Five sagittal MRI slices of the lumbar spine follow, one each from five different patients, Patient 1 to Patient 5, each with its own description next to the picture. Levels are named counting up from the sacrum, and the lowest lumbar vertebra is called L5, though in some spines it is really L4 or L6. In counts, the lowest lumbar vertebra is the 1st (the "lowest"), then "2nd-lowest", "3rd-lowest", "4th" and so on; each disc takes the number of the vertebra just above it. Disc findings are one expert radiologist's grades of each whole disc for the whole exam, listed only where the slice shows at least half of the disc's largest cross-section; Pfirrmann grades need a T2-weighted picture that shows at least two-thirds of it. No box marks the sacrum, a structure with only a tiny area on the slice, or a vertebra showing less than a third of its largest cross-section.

Patient 1 of 5:
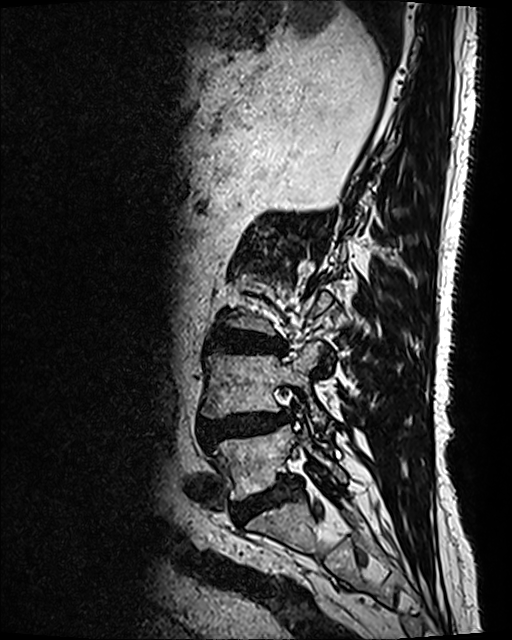 Sagittal T2 SPACE (3D) lumbar spine MRI. Slice 41 of 120.
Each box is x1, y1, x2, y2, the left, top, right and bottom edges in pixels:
L4 vertebra: 202, 345, 326, 426.
L5: 216, 425, 346, 498.
L3/L4: 207, 329, 286, 353.
Disc L5/S1: 240, 478, 300, 518.
L4/L5: 199, 412, 285, 447.

Per-level radiological findings:
• L3/L4: Pfirrmann grade 4, disc bulging, upper-endplate change, lower-endplate change
• L4/L5: Pfirrmann grade 4, upper-endplate change, lower-endplate change, disc narrowing, disc bulging, spondylolisthesis, disc herniation, Modic type II
• L5/S1: no herniation, bulging, narrowing, spondylolisthesis, endplate or Modic change recorded

Patient 2 of 5:
Lumbar spine MR, T1-weighted, sagittal, Slice 9/18 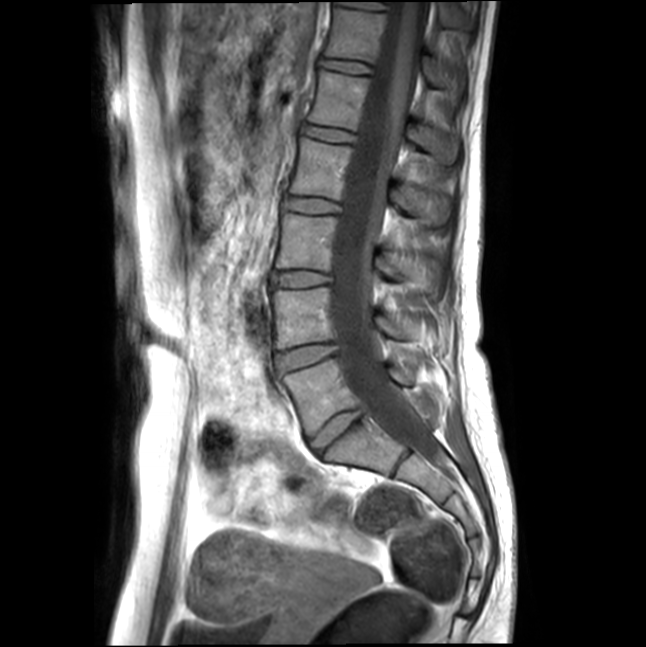 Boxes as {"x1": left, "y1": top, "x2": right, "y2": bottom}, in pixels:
T12/L1 at {"x1": 320, "y1": 58, "x2": 373, "y2": 74}, L4/L5 at {"x1": 276, "y1": 343, "x2": 337, "y2": 370}, L3/L4 at {"x1": 272, "y1": 270, "x2": 330, "y2": 287}, L4 at {"x1": 272, "y1": 287, "x2": 416, "y2": 349}, L3 at {"x1": 277, "y1": 213, "x2": 436, "y2": 292}, T12 at {"x1": 325, "y1": 7, "x2": 446, "y2": 86}, L5 at {"x1": 283, "y1": 359, "x2": 407, "y2": 436}, intervertebral disc L2/L3 at {"x1": 284, "y1": 197, "x2": 341, "y2": 213}, spinal canal at {"x1": 332, "y1": 2, "x2": 445, "y2": 469}, L2 vertebra at {"x1": 291, "y1": 137, "x2": 450, "y2": 225}, L5/S1 at {"x1": 311, "y1": 409, "x2": 364, "y2": 454}, L1 vertebra at {"x1": 308, "y1": 70, "x2": 459, "y2": 163}, intervertebral disc L1/L2 at {"x1": 302, "y1": 123, "x2": 358, "y2": 143}.

Per-level radiological findings:
- L1/L2, L4/L5, T12/L1, L5/S1, L2/L3, L3/L4: no herniation, bulging, narrowing, spondylolisthesis, endplate or Modic change recorded

Patient 3 of 5:
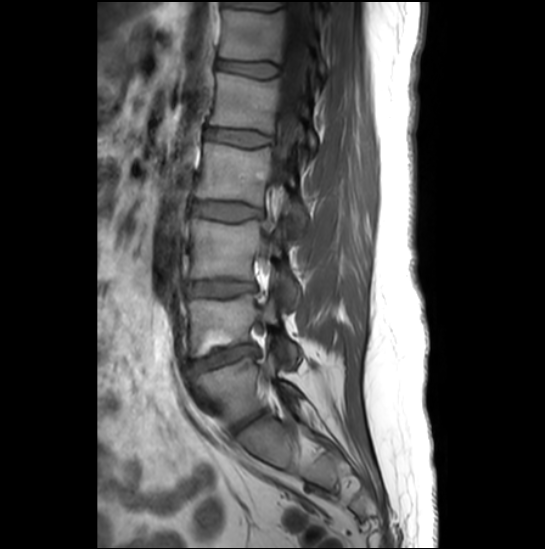 Lumbar spine MR, T1-weighted, sagittal. Slice 17/27.

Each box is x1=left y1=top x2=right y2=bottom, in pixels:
L2 vertebra: x1=195 y1=142 x2=309 y2=235
thecal sac / spinal canal: x1=274 y1=0 x2=310 y2=184
L3/L4: x1=186 y1=281 x2=253 y2=297
T12 vertebra: x1=220 y1=9 x2=327 y2=81
intervertebral disc L4/L5: x1=195 y1=345 x2=258 y2=372
L5/S1: x1=231 y1=411 x2=263 y2=434
L4 vertebra: x1=187 y1=294 x2=301 y2=365
L1 vertebra: x1=209 y1=74 x2=319 y2=158
L5: x1=197 y1=356 x2=301 y2=423
L1/L2: x1=207 y1=128 x2=271 y2=146
L3: x1=190 y1=220 x2=299 y2=309
T12/L1: x1=217 y1=59 x2=279 y2=77
L2/L3: x1=192 y1=202 x2=261 y2=220

Expert MSK radiologist gradings (per disc):
• L4/L5: disc narrowing, upper-endplate change, lower-endplate change, disc herniation, Modic type II
• L3/L4, L1/L2, L2/L3, T12/L1: no spondylolisthesis, narrowing, bulging, herniation, Modic or endplate change recorded

Patient 4 of 5:
Sex F. Sagittal T2 SPACE (3D) lumbar spine MRI.
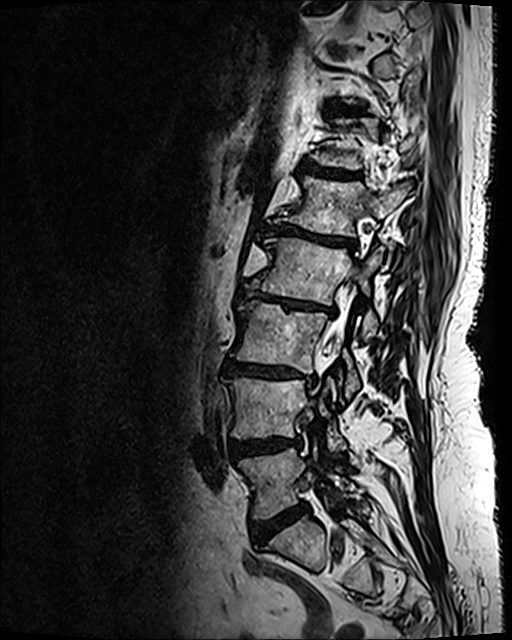 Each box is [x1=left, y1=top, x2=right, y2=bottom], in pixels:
{"7th disc": "[x1=336, y1=109, x2=352, y2=114]", "5th disc": "[x1=265, y1=224, x2=356, y2=248]", "2nd-lowest vertebra": "[x1=227, y1=378, x2=346, y2=450]", "4th disc": "[x1=238, y1=287, x2=335, y2=314]", "2nd-lowest disc": "[x1=229, y1=436, x2=300, y2=458]", "3rd-lowest vertebra": "[x1=231, y1=301, x2=359, y2=397]", "5th vertebra": "[x1=287, y1=176, x2=408, y2=236]", "3rd-lowest disc": "[x1=224, y1=358, x2=315, y2=383]", "lowest vertebra": "[x1=239, y1=447, x2=355, y2=518]", "lowest disc": "[x1=251, y1=504, x2=307, y2=547]", "4th vertebra": "[x1=245, y1=238, x2=382, y2=340]", "spinal canal": "[x1=319, y1=321, x2=346, y2=378]", "6th disc": "[x1=301, y1=163, x2=358, y2=178]"}

Radiological gradings:
- 4th disc: disc bulging, upper-endplate change, Modic type II, disc narrowing, lower-endplate change
- lowest disc: disc bulging
- 3rd-lowest disc: Pfirrmann grade 5, Modic type II, lower-endplate change, upper-endplate change, disc narrowing, disc bulging
- 6th disc: Pfirrmann grade 4, upper-endplate change, Modic type II, lower-endplate change
- 5th disc: Pfirrmann grade 5, lower-endplate change, Modic type II, disc bulging, upper-endplate change, disc narrowing
- 2nd-lowest disc: Pfirrmann grade 4, disc bulging, upper-endplate change, lower-endplate change

Patient 5 of 5:
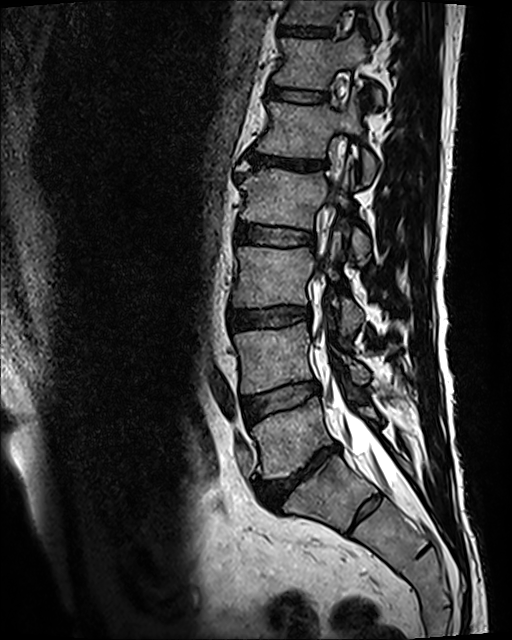

Image 512x640; Slice 48 of 120; T2 SPACE (3D) sagittal MRI of the lumbar spine

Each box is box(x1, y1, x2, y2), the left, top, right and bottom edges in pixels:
L5/S1 — box(257, 445, 338, 509) | disc L2/L3 — box(237, 224, 314, 246) | spinal canal — box(316, 153, 398, 488) | T11 — box(284, 0, 377, 35) | L3 — box(233, 231, 362, 333) | disc L3/L4 — box(228, 306, 310, 329) | L1 vertebra — box(257, 89, 376, 183) | disc T12/L1 — box(267, 82, 328, 102) | L4 — box(235, 323, 368, 394) | T11/T12 — box(279, 27, 330, 36) | disc L1/L2 — box(248, 152, 322, 171) | L4/L5 — box(242, 381, 318, 421) | L2 vertebra — box(240, 159, 369, 259) | T12 vertebra — box(273, 32, 382, 105) | L5 — box(251, 397, 376, 478)

Radiological gradings:
  T12/L1: Pfirrmann grade 3
  L5/S1: Pfirrmann grade 5, disc narrowing, upper-endplate change, Modic type II, lower-endplate change, disc bulging
  L4/L5: Pfirrmann grade 3, Modic type II
  T11/T12: upper-endplate change, lower-endplate change
  L2/L3: Pfirrmann grade 3
  L3/L4: Pfirrmann grade 3, upper-endplate change, lower-endplate change, disc bulging
  L1/L2: upper-endplate change, lower-endplate change, Modic type II, disc narrowing, disc bulging